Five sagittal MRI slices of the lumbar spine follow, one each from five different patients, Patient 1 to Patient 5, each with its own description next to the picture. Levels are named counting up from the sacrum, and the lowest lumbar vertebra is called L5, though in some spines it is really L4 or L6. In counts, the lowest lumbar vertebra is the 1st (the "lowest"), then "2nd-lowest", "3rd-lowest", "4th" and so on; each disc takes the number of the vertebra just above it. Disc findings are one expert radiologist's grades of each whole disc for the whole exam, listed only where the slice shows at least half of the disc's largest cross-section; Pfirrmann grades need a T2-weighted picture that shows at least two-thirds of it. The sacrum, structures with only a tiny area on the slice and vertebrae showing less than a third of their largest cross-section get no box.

Patient 1 of 5:
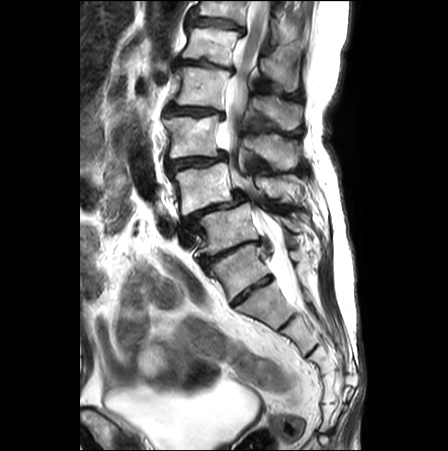

Sagittal T2-weighted lumbar spine MRI | Image 448x451
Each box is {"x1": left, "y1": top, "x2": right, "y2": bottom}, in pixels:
L5/S1 = {"x1": 199, "y1": 240, "x2": 261, "y2": 267}.
L1 vertebra = {"x1": 182, "y1": 27, "x2": 297, "y2": 90}.
T12/L1 = {"x1": 186, "y1": 15, "x2": 245, "y2": 33}.
L4 vertebra = {"x1": 170, "y1": 163, "x2": 297, "y2": 214}.
Thecal sac / spinal canal = {"x1": 218, "y1": 1, "x2": 299, "y2": 299}.
IVD L2/L3 = {"x1": 163, "y1": 104, "x2": 224, "y2": 118}.
L3 vertebra = {"x1": 163, "y1": 114, "x2": 299, "y2": 168}.
IVD L4/L5 = {"x1": 184, "y1": 190, "x2": 248, "y2": 231}.
T12 = {"x1": 193, "y1": 1, "x2": 280, "y2": 44}.
L5 = {"x1": 196, "y1": 202, "x2": 300, "y2": 255}.
L3/L4 = {"x1": 166, "y1": 153, "x2": 225, "y2": 174}.
IVD L1/L2 = {"x1": 172, "y1": 58, "x2": 234, "y2": 73}.
L2 = {"x1": 174, "y1": 65, "x2": 299, "y2": 129}.

Expert MSK radiologist gradings (per disc):
• L1/L2: Pfirrmann grade 5, lower-endplate change, disc bulging, disc narrowing
• L3/L4: Pfirrmann grade 4, disc bulging, upper-endplate change, lower-endplate change, Modic type II, spondylolisthesis, disc narrowing
• L2/L3: Pfirrmann grade 4, Modic type II, lower-endplate change, disc narrowing, upper-endplate change, disc bulging, spondylolisthesis
• L4/L5: Pfirrmann grade 5, spondylolisthesis, lower-endplate change, disc bulging, disc herniation, upper-endplate change, Modic type II, disc narrowing
• L5/S1: Pfirrmann grade 5, upper-endplate change, disc bulging, lower-endplate change, disc herniation, disc narrowing, Modic type II
• T12/L1: Pfirrmann grade 4, lower-endplate change, disc bulging, upper-endplate change

Patient 2 of 5:
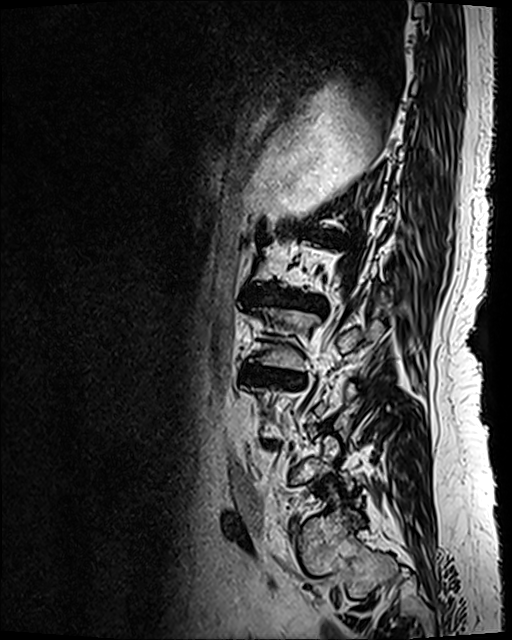
MRI lumbar spine (T2 SPACE (3D)), sagittal plane; Field of view 240x300 mm, slice spacing 0.9 mm; Sex F
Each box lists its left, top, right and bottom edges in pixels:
L3/L4 at left=241, top=365, right=303, bottom=386; L3 vertebra at left=260, top=308, right=382, bottom=369; IVD L2/L3 at left=255, top=290, right=327, bottom=314.

Per-level radiological findings:
  L2/L3: Pfirrmann grade 5, lower-endplate change, disc narrowing, disc bulging, Modic type II, upper-endplate change
  L3/L4: Pfirrmann grade 5, disc narrowing, Modic type II, upper-endplate change, disc bulging, lower-endplate change

Patient 3 of 5:
Slice 2/15 | Field of view 280x280 mm, slice spacing 4.4 mm | Lumbar spine MR, T2-weighted, sagittal

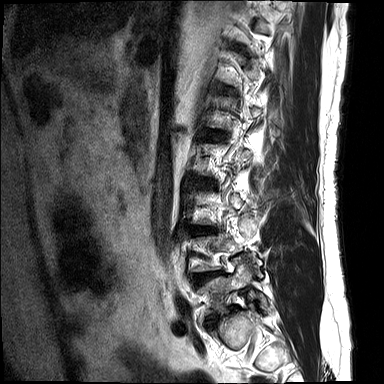

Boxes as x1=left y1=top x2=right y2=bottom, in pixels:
lowest disc at x1=209 y1=308 x2=235 y2=325 | lowest vertebra at x1=205 y1=261 x2=267 y2=313 | 2nd-lowest disc at x1=196 y1=273 x2=217 y2=281

Patient 4 of 5:
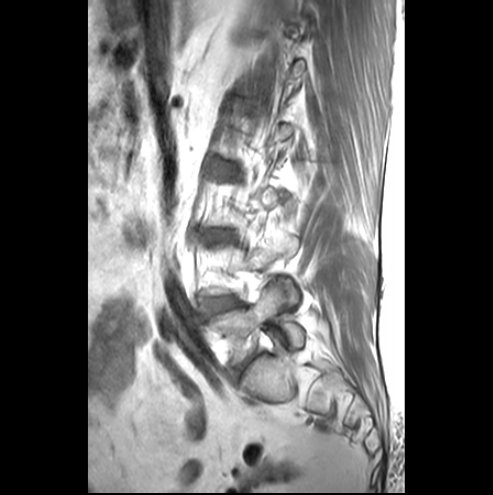

Lumbar spine MR, T1-weighted, sagittal.

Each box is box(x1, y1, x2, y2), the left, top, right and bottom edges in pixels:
L4/L5 (2nd-lowest disc) at box(208, 298, 235, 311); L5 (lowest vertebra) at box(210, 284, 304, 361); intervertebral disc L3/L4 (3rd-lowest disc) at box(206, 229, 231, 238); intervertebral disc L5/S1 (lowest disc) at box(236, 354, 255, 373).

Patient 5 of 5:
Image 512x652; Patient sex: M; Sagittal T2 SPACE (3D) lumbar spine MRI; Field of view 240x306 mm, slice spacing 0.9 mm; Scanner: SIEMENS Avanto_fit (1.5T) 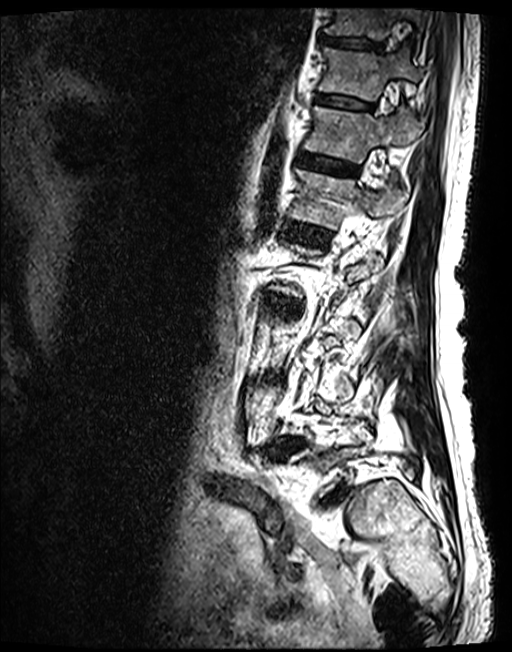 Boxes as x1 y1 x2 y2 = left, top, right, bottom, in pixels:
T11/T12: 314 93 373 109
T12/L1: 296 152 357 175
IVD L2/L3: 267 295 295 308
T12: 302 106 422 163
L1/L2: 287 223 330 245
T11 vertebra: 318 48 420 100
T10 vertebra: 324 8 422 44
L1: 289 169 407 229
IVD T10/T11: 319 34 382 50

Per-level radiological findings:
- T12/L1: Pfirrmann grade 3
- T11/T12: Pfirrmann grade 3
- T10/T11: Pfirrmann grade 3
- L1/L2: no spondylolisthesis, narrowing, bulging, herniation, Modic or endplate change recorded